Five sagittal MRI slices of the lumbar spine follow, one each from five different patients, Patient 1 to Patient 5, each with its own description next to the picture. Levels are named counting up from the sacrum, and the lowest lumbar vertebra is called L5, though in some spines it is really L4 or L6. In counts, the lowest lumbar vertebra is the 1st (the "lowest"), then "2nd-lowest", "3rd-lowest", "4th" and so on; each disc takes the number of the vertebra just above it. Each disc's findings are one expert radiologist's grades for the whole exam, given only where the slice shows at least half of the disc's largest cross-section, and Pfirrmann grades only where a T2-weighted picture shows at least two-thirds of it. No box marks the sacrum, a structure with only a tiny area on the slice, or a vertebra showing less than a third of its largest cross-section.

Patient 1 of 5:
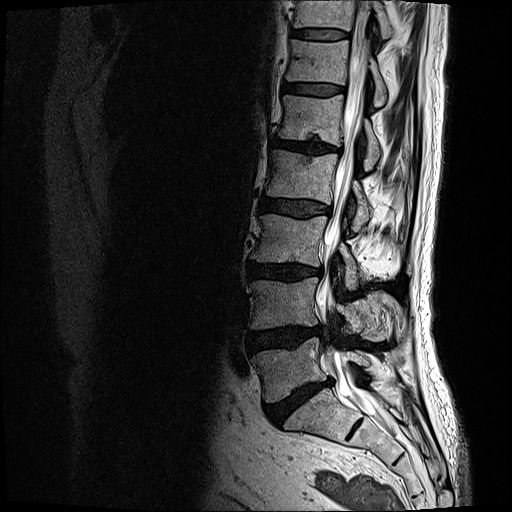 Field of view 300x300 mm; MRI lumbar spine (T2-weighted), sagittal plane; Sex M
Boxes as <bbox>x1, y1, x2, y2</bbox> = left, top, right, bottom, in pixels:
L4 (2nd-lowest vertebra): <bbox>252, 277, 383, 340</bbox>.
L1 (5th vertebra): <bbox>280, 94, 380, 171</bbox>.
Intervertebral disc L2/L3 (4th disc): <bbox>260, 197, 329, 218</bbox>.
Intervertebral disc T12/L1 (6th disc): <bbox>284, 84, 344, 96</bbox>.
T11 (7th vertebra): <bbox>294, 0, 391, 39</bbox>.
L5/S1 (lowest disc): <bbox>264, 380, 332, 425</bbox>.
L1/L2 (5th disc): <bbox>273, 137, 341, 153</bbox>.
L5 (lowest vertebra): <bbox>252, 338, 368, 402</bbox>.
L3 (3rd-lowest vertebra): <bbox>252, 214, 359, 289</bbox>.
L4/L5 (2nd-lowest disc): <bbox>248, 326, 318, 352</bbox>.
Intervertebral disc L3/L4 (3rd-lowest disc): <bbox>248, 262, 321, 281</bbox>.
T11/T12 (7th disc): <bbox>292, 30, 347, 40</bbox>.
Spinal canal: <bbox>316, 0, 379, 415</bbox>.
T12 (6th vertebra): <bbox>288, 39, 387, 107</bbox>.
L2 (4th vertebra): <bbox>268, 149, 370, 232</bbox>.

Degenerative findings by level:
• L1/L2 (5th disc): Pfirrmann grade 4, Modic type II, disc bulging, lower-endplate change, upper-endplate change, disc narrowing
• L4/L5 (2nd-lowest disc): Pfirrmann grade 4, disc herniation, disc bulging
• L5/S1 (lowest disc): Pfirrmann grade 5, disc narrowing, Modic type II, lower-endplate change, disc bulging
• L2/L3 (4th disc): Pfirrmann grade 3, disc bulging
• L3/L4 (3rd-lowest disc): Pfirrmann grade 4, disc narrowing, lower-endplate change, disc bulging, Modic type II
• T11/T12 (7th disc): Pfirrmann grade 3
• T12/L1 (6th disc): Pfirrmann grade 3

Patient 2 of 5:
Slice 48 of 120 | Lumbar spine MR, T2 SPACE (3D), sagittal
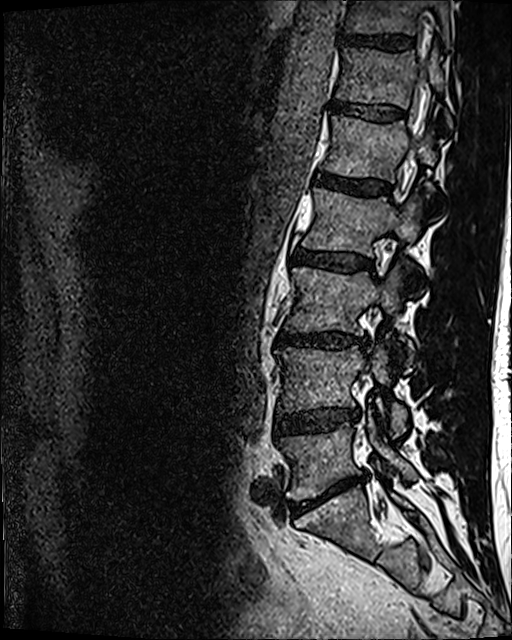 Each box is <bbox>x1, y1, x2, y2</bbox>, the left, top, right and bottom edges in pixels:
• 5th vertebra: <bbox>324, 115, 436, 181</bbox>
• 6th vertebra: <bbox>336, 47, 451, 127</bbox>
• 6th disc: <bbox>330, 101, 404, 119</bbox>
• 2nd-lowest vertebra: <bbox>276, 345, 407, 436</bbox>
• 7th disc: <bbox>339, 34, 414, 51</bbox>
• 3rd-lowest vertebra: <bbox>286, 266, 414, 366</bbox>
• 4th vertebra: <bbox>302, 188, 421, 255</bbox>
• lowest disc: <bbox>290, 474, 361, 512</bbox>
• 7th vertebra: <bbox>345, 0, 449, 47</bbox>
• 2nd-lowest disc: <bbox>275, 408, 359, 432</bbox>
• 3rd-lowest disc: <bbox>276, 331, 367, 348</bbox>
• thecal sac / spinal canal: <bbox>413, 95, 426, 136</bbox>
• 4th disc: <bbox>293, 249, 373, 271</bbox>
• 5th disc: <bbox>314, 172, 390, 196</bbox>
• lowest vertebra: <bbox>277, 411, 417, 499</bbox>

Per-level radiological findings:
• 3rd-lowest disc: Pfirrmann grade 4, lower-endplate change, disc narrowing, disc bulging
• 6th disc: Pfirrmann grade 3
• 2nd-lowest disc: Pfirrmann grade 3, disc narrowing, disc bulging
• 5th disc: Pfirrmann grade 4
• 7th disc: Pfirrmann grade 4
• 4th disc: Pfirrmann grade 3, disc bulging

Patient 3 of 5:
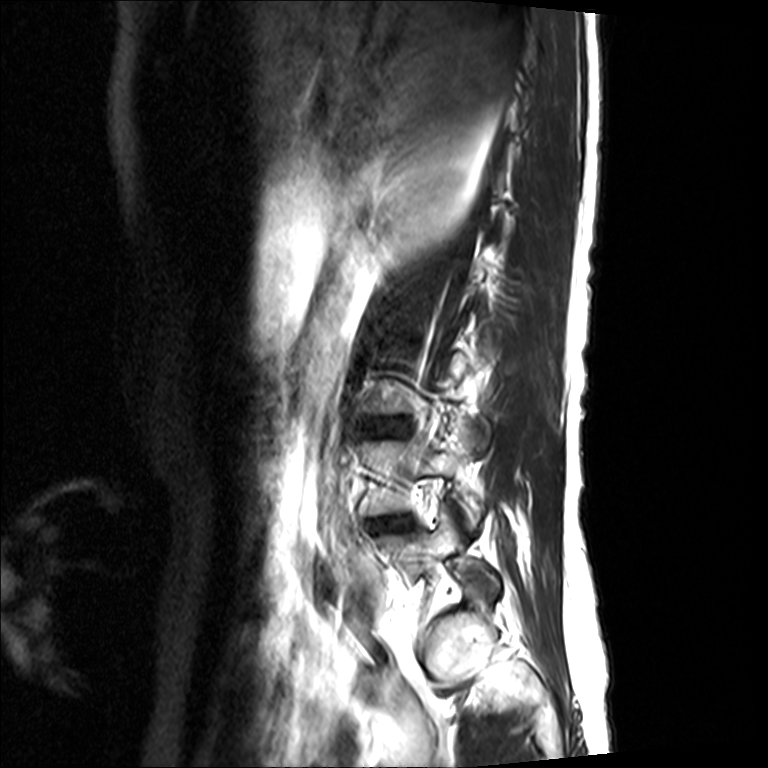 768x768 px. MRI lumbar spine (T2-weighted), sagittal plane.
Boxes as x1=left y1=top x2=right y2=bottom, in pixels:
Segmented structures:
• 2nd-lowest disc — x1=369 y1=516 x2=413 y2=532
• 3rd-lowest disc — x1=387 y1=419 x2=401 y2=433

Patient 4 of 5:
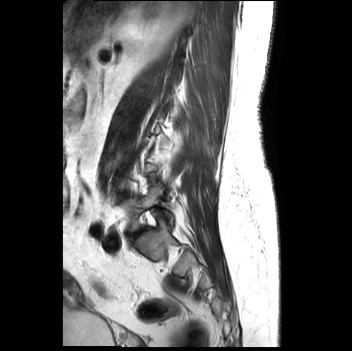
Patient sex: F. Image 352x351. MRI lumbar spine (T2-weighted), sagittal plane.

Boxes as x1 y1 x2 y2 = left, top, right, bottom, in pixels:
IVD L5/S1 at 129 228 146 241, L5 vertebra at 122 185 173 232.

Patient 5 of 5:
Sagittal T2-weighted lumbar spine MRI 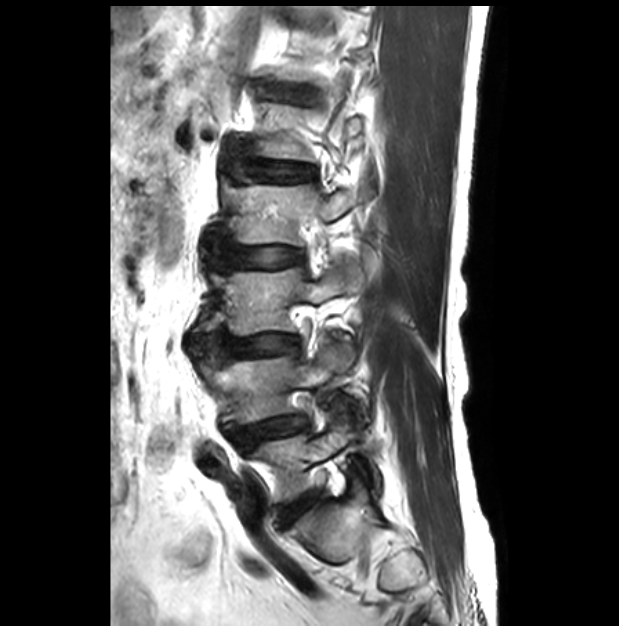

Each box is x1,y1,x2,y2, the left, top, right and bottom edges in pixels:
L4/L5 at 229,416,306,447 | L3 vertebra at 211,261,355,335 | L2/L3 at 209,238,303,268 | L4 at 203,339,364,427 | L2 at 233,182,365,246 | T12/L1 at 254,80,318,102 | IVD L1/L2 at 225,142,314,181 | L5/S1 at 279,493,317,526 | L5 vertebra at 250,420,382,501 | L3/L4 at 193,329,299,365

Expert MSK radiologist gradings (per disc):
  L4/L5: Pfirrmann grade 3, lower-endplate change, spondylolisthesis, disc narrowing, upper-endplate change, disc bulging
  L1/L2: Pfirrmann grade 1
  T12/L1: Pfirrmann grade 1
  L3/L4: Pfirrmann grade 1
  L2/L3: Pfirrmann grade 1